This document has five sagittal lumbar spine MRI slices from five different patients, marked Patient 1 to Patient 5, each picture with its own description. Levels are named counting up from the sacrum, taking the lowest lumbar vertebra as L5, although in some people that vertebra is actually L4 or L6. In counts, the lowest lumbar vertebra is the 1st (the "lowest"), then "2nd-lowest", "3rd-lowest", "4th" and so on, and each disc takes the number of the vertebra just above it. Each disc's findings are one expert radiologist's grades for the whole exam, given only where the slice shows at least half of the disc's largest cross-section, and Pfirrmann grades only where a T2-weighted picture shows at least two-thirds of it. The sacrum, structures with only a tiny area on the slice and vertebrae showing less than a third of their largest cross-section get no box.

Patient 1 of 5:
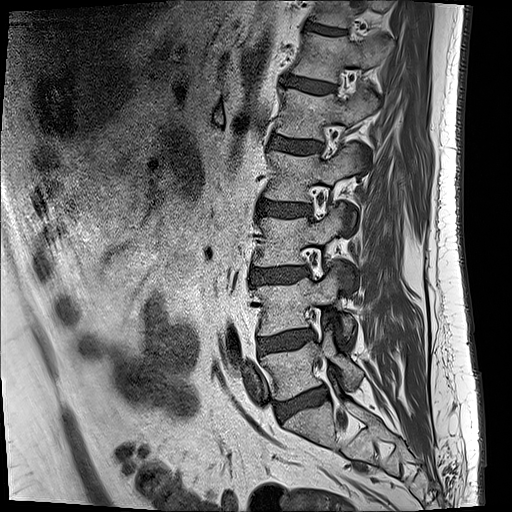

Slice 4 of 17, MRI lumbar spine (T1-weighted), sagittal plane
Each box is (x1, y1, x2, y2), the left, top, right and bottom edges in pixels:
L5/S1 = (275, 387, 327, 418).
L3 = (254, 203, 344, 266).
T11 = (312, 0, 392, 26).
IVD L2/L3 = (257, 200, 308, 215).
L5 = (262, 326, 363, 399).
T12/L1 = (284, 76, 333, 91).
L4 vertebra = (257, 266, 353, 338).
IVD T11/T12 = (307, 23, 346, 34).
L2 = (264, 143, 361, 225).
T12 vertebra = (293, 34, 392, 82).
L1 = (276, 88, 377, 139).
IVD L4/L5 = (257, 329, 314, 354).
IVD L1/L2 = (270, 134, 321, 154).
IVD L3/L4 = (249, 267, 306, 283).

Degenerative findings by level:
- L4/L5: Modic type II, disc bulging
- L1/L2: disc bulging
- L5/S1: Modic type II, disc bulging, disc narrowing
- L2/L3: disc bulging
- L3/L4: Modic type II, disc bulging
- T12/L1, T11/T12: no spondylolisthesis, narrowing, bulging, herniation, Modic or endplate change recorded

Patient 2 of 5:
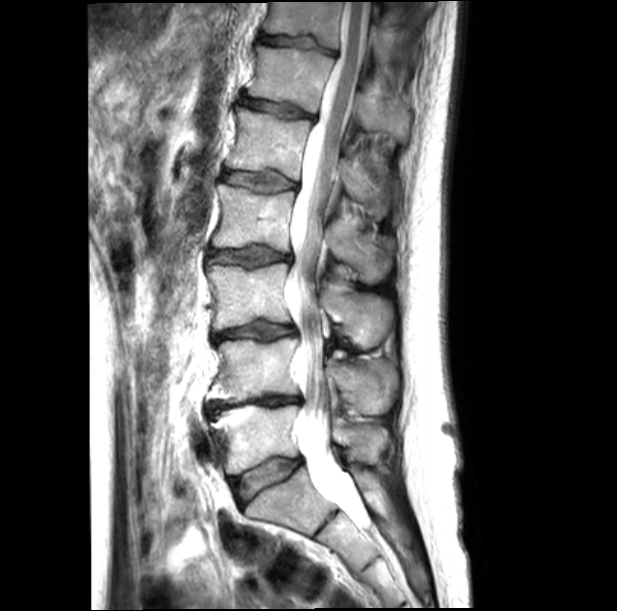 Slice 13/21. Field of view 312x308 mm. 617x611 px. T2-weighted sagittal MRI of the lumbar spine. Patient sex: M.
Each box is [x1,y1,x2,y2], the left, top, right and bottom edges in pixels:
L3/L4: [213,321,295,341].
Intervertebral disc T11/T12: [258,34,335,55].
T12 vertebra: [248,45,411,142].
Intervertebral disc L5/S1: [233,458,302,507].
T11: [263,2,390,61].
Thecal sac / spinal canal: [286,2,367,525].
Intervertebral disc L1/L2: [223,171,297,192].
L2/L3: [210,245,291,266].
L4/L5: [207,396,300,416].
L5 vertebra: [211,405,388,475].
L1: [227,107,387,217].
T12/L1: [242,97,312,118].
L2 vertebra: [213,184,391,283].
L3 vertebra: [207,263,394,349].
L4: [208,336,397,414].

Degenerative findings by level:
  L5/S1: Pfirrmann grade 2, disc bulging
  T12/L1: Pfirrmann grade 3, lower-endplate change, disc narrowing, disc bulging, upper-endplate change
  L4/L5: Pfirrmann grade 5, upper-endplate change, disc narrowing, disc bulging, lower-endplate change
  T11/T12: Pfirrmann grade 3, lower-endplate change, upper-endplate change, disc narrowing
  L2/L3: Pfirrmann grade 3, lower-endplate change, upper-endplate change, disc bulging
  L3/L4: Pfirrmann grade 3, upper-endplate change, disc bulging, disc narrowing, lower-endplate change
  L1/L2: Pfirrmann grade 3, upper-endplate change, disc bulging, lower-endplate change

Patient 3 of 5:
Slice 20 of 24 | Sex F | Field of view 280x280 mm | T1-weighted sagittal MRI of the lumbar spine | Image 448x448 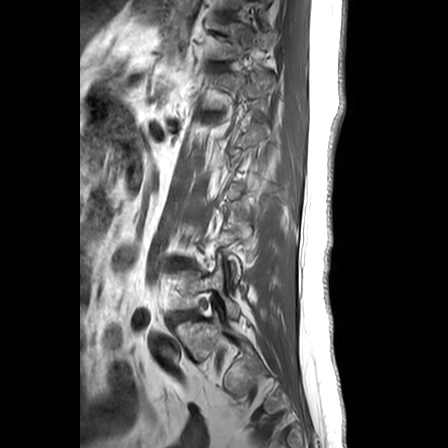
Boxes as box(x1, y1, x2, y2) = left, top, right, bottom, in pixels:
lowest disc — box(170, 313, 185, 322) | 5th vertebra — box(205, 72, 273, 109) | 6th vertebra — box(212, 23, 272, 60) | lowest vertebra — box(171, 256, 239, 318)

Patient 4 of 5:
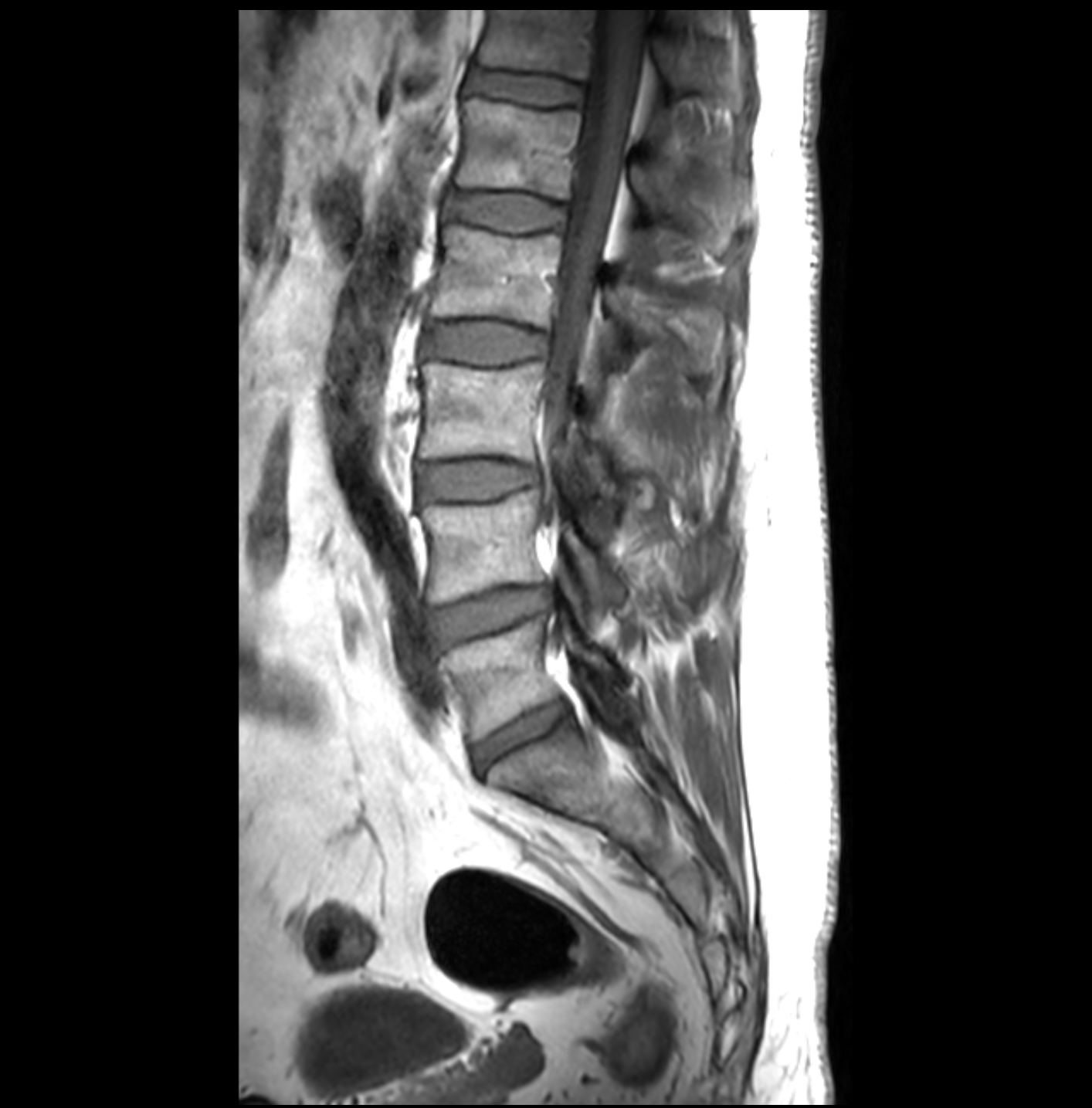 Sagittal T1-weighted lumbar spine MRI | Slice 20/32
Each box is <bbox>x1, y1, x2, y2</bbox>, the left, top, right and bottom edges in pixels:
L1 vertebra at <bbox>454, 98, 671, 215</bbox>.
Intervertebral disc L3/L4 at <bbox>418, 461, 538, 497</bbox>.
L5/S1 at <bbox>473, 699, 567, 772</bbox>.
T12 vertebra at <bbox>480, 10, 704, 86</bbox>.
L5 vertebra at <bbox>440, 617, 615, 743</bbox>.
Intervertebral disc L1/L2 at <bbox>447, 192, 564, 229</bbox>.
Intervertebral disc T12/L1 at <bbox>469, 69, 586, 104</bbox>.
L2/L3 at <bbox>426, 324, 544, 360</bbox>.
Thecal sac / spinal canal at <bbox>539, 10, 644, 537</bbox>.
L3 vertebra at <bbox>419, 363, 605, 483</bbox>.
L2 vertebra at <bbox>430, 223, 626, 342</bbox>.
L4/L5 at <bbox>436, 586, 548, 642</bbox>.
L4 at <bbox>419, 490, 623, 601</bbox>.

Expert MSK radiologist gradings (per disc):
• L4/L5: disc herniation
• L3/L4, L2/L3, L5/S1, L1/L2, T12/L1: no spondylolisthesis, narrowing, bulging, herniation, Modic or endplate change recorded

Patient 5 of 5:
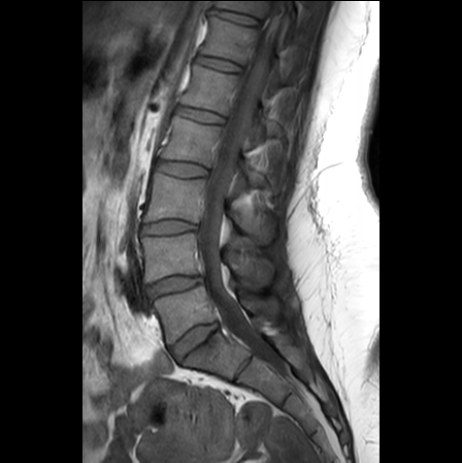
Slice 12 of 24. Lumbar spine MR, T1-weighted, sagittal.
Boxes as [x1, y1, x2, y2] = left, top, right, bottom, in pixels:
IVD L5/S1: [171, 321, 219, 360]
spinal canal: [198, 1, 288, 376]
T11: [215, 0, 296, 38]
T12: [201, 17, 285, 93]
L2: [161, 116, 281, 190]
L1 vertebra: [180, 64, 272, 140]
IVD L4/L5: [145, 276, 201, 297]
T11/T12: [212, 9, 258, 24]
L5 vertebra: [154, 285, 278, 342]
IVD L2/L3: [157, 160, 206, 176]
L4 vertebra: [141, 232, 273, 284]
IVD T12/L1: [197, 55, 240, 71]
L1/L2: [176, 106, 223, 122]
L3: [144, 172, 273, 242]
IVD L3/L4: [142, 220, 196, 234]

Expert MSK radiologist gradings (per disc):
• L4/L5: disc narrowing, disc bulging
• L5/S1: disc narrowing, disc bulging
• L3/L4, T12/L1, L2/L3, L1/L2, T11/T12: no Modic or endplate change, herniation, narrowing, bulging or spondylolisthesis recorded